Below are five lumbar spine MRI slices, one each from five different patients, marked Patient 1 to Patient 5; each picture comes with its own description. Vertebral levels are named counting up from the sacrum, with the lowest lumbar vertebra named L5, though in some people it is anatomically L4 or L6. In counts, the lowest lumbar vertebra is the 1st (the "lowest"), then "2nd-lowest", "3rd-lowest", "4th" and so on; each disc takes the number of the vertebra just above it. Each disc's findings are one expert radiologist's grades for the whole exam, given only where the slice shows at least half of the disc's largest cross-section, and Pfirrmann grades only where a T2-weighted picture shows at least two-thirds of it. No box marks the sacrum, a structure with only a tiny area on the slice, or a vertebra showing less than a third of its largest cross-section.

Patient 1 of 5:
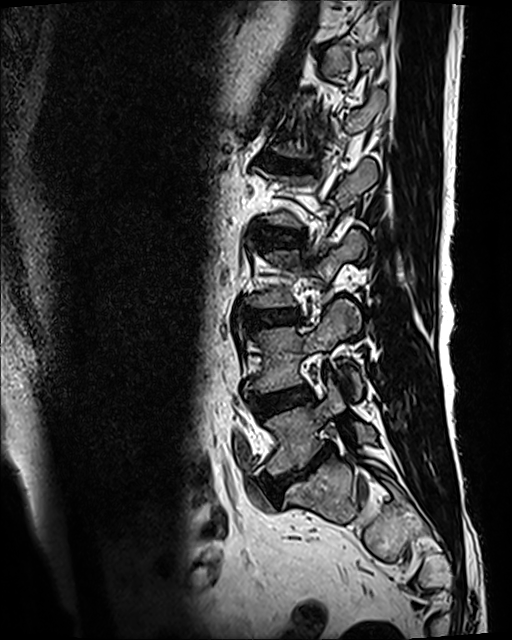 Image 512x640; Sagittal T2 SPACE (3D) lumbar spine MRI
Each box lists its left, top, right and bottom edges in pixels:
Annotations:
• 2nd-lowest vertebra = left=248, top=299, right=363, bottom=398
• 3rd-lowest disc = left=243, top=309, right=300, bottom=330
• 2nd-lowest disc = left=252, top=387, right=312, bottom=415
• lowest vertebra = left=266, top=377, right=376, bottom=475
• lowest disc = left=265, top=445, right=334, bottom=497
• 5th disc = left=269, top=159, right=309, bottom=171

Expert MSK radiologist gradings (per disc):
• lowest disc: lower-endplate change, upper-endplate change, disc narrowing, Modic type II, disc bulging
• 3rd-lowest disc: disc bulging, upper-endplate change, lower-endplate change
• 2nd-lowest disc: Modic type II

Patient 2 of 5:
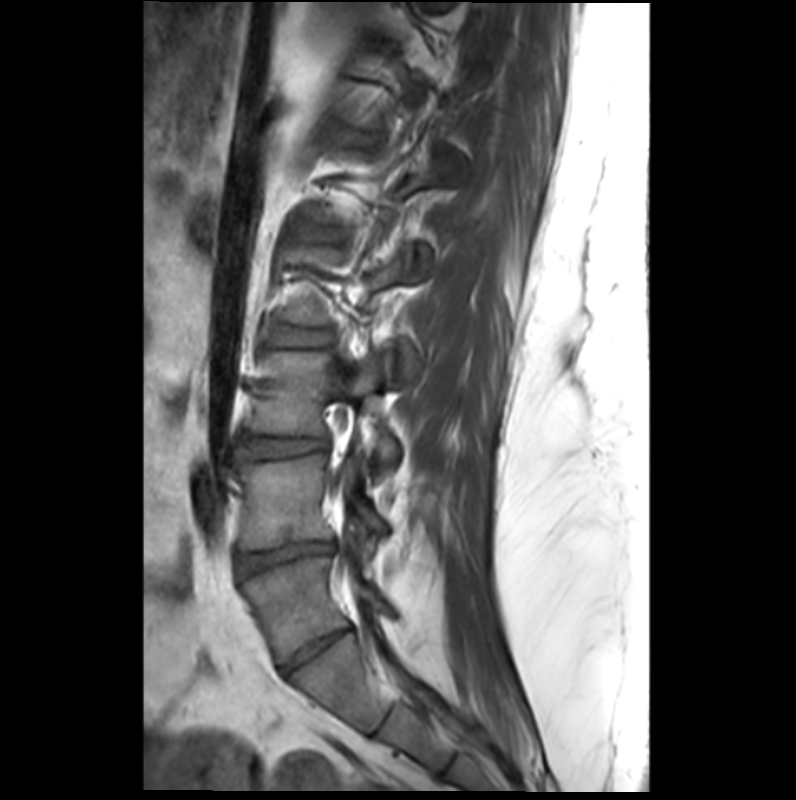 Sagittal T1-weighted lumbar spine MRI; Sex M; Slice spacing 3.4 mm
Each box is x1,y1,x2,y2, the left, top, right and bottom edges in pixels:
L3/L4 — 244,438,324,457.
L5/S1 — 280,625,355,675.
L4 vertebra — 238,453,386,548.
Disc L4/L5 — 238,542,331,574.
Disc L2/L3 — 271,328,331,344.
L3 — 249,350,400,479.
L5 — 244,556,396,663.
Disc L1/L2 — 302,224,338,239.

Radiological gradings:
  L4/L5: disc narrowing, lower-endplate change, upper-endplate change, spondylolisthesis, disc herniation, Modic type III
  L5/S1: disc narrowing
  L3/L4: no spondylolisthesis, narrowing, bulging, herniation, Modic or endplate change recorded

Patient 3 of 5:
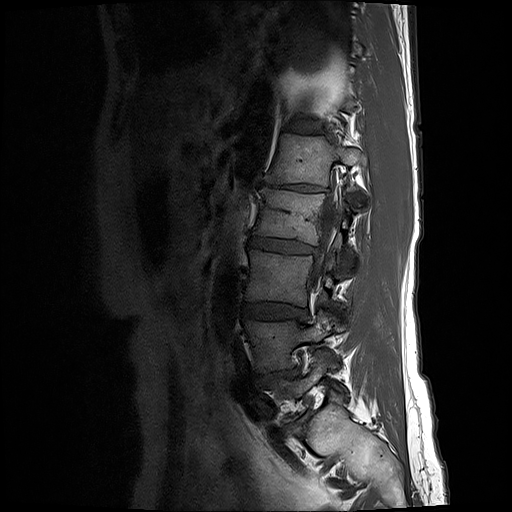

Sex F; MRI lumbar spine (T1-weighted), sagittal plane; Slice 8 of 25

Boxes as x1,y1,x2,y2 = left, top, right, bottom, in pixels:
2nd-lowest disc — 254,369,298,382.
5th vertebra — 270,134,366,186.
Spinal canal — 311,198,337,285.
5th disc — 263,180,325,194.
6th disc — 287,123,321,133.
3rd-lowest vertebra — 246,249,333,307.
2nd-lowest vertebra — 245,309,334,373.
4th disc — 250,236,315,254.
3rd-lowest disc — 242,303,308,320.
4th vertebra — 254,188,352,256.

Per-level radiological findings:
  4th disc: disc narrowing, disc bulging
  3rd-lowest disc: disc bulging
  2nd-lowest disc: disc bulging, disc narrowing, Modic type II
  5th disc: disc narrowing, upper-endplate change, lower-endplate change, Modic type II, disc bulging

Patient 4 of 5:
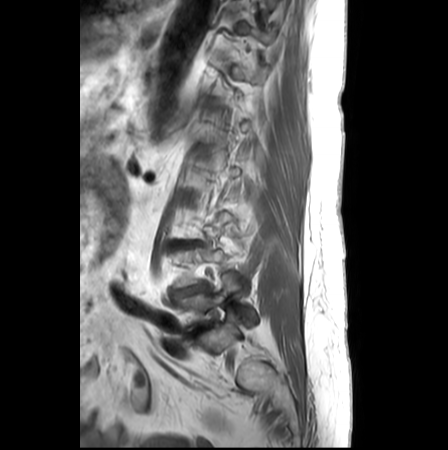 Slice 20/26, T1-weighted sagittal MRI of the lumbar spine
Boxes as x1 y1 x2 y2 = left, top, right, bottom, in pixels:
{"disc L4/L5": "170 283 208 298", "L5": "174 274 257 330", "L5/S1": "186 322 212 336"}

Expert MSK radiologist gradings (per disc):
  L4/L5: disc narrowing, disc bulging

Patient 5 of 5:
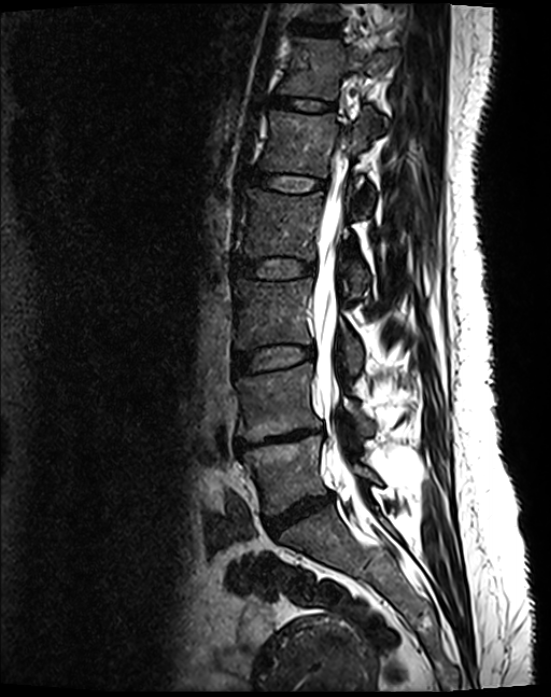
Image 551x697. Sex F. Lumbar spine MR, T2 SPACE (3D), sagittal.
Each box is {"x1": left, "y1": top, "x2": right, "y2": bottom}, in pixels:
L4 = {"x1": 235, "y1": 364, "x2": 373, "y2": 441}.
T12/L1 = {"x1": 273, "y1": 98, "x2": 333, "y2": 110}.
Disc L1/L2 = {"x1": 251, "y1": 173, "x2": 324, "y2": 190}.
Disc L4/L5 = {"x1": 236, "y1": 428, "x2": 322, "y2": 450}.
L5 vertebra = {"x1": 243, "y1": 435, "x2": 377, "y2": 516}.
L3 = {"x1": 235, "y1": 279, "x2": 363, "y2": 374}.
T12 = {"x1": 280, "y1": 37, "x2": 385, "y2": 99}.
L2 vertebra = {"x1": 238, "y1": 190, "x2": 369, "y2": 297}.
Disc T11/T12 = {"x1": 294, "y1": 25, "x2": 337, "y2": 33}.
Thecal sac / spinal canal = {"x1": 313, "y1": 142, "x2": 346, "y2": 470}.
L1 vertebra = {"x1": 259, "y1": 111, "x2": 376, "y2": 212}.
L5/S1 = {"x1": 266, "y1": 493, "x2": 333, "y2": 533}.
L3/L4 = {"x1": 233, "y1": 346, "x2": 313, "y2": 374}.
Disc L2/L3 = {"x1": 235, "y1": 258, "x2": 314, "y2": 277}.

Radiological gradings:
- L1/L2: Pfirrmann grade 2
- L3/L4: Pfirrmann grade 2
- L2/L3: Pfirrmann grade 2
- T12/L1: Pfirrmann grade 2
- L4/L5: Pfirrmann grade 5, upper-endplate change, disc bulging, lower-endplate change, Modic type II, disc narrowing
- L5/S1: Pfirrmann grade 4, disc bulging, disc narrowing